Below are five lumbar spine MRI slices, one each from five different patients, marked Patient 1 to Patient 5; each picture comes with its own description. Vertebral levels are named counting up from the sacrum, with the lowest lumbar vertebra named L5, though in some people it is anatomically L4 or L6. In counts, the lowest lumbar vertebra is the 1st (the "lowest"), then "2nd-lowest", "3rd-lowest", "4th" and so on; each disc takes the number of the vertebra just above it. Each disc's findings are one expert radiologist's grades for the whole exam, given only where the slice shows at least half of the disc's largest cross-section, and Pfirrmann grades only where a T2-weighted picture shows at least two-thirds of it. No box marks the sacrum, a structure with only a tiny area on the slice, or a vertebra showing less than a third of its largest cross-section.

Patient 1 of 5:
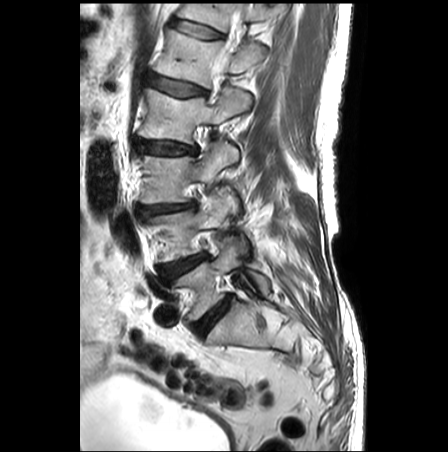 Lumbar spine MR, T2-weighted, sagittal
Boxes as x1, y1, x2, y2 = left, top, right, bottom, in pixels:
IVD T12/L1 at 169, 18, 221, 38; L2 vertebra at 139, 89, 251, 143; IVD L5/S1 at 197, 296, 230, 334; L5 vertebra at 176, 239, 269, 319; L3 vertebra at 139, 142, 238, 203; T12 vertebra at 178, 4, 276, 32; L2/L3 at 134, 141, 197, 155; L4 vertebra at 149, 197, 247, 261; L4/L5 at 160, 255, 205, 282; L1 vertebra at 156, 30, 264, 88; L3/L4 at 139, 203, 193, 217; IVD L1/L2 at 145, 73, 206, 96; spinal canal at 218, 19, 238, 65.

Expert MSK radiologist gradings (per disc):
- L3/L4: disc narrowing, disc bulging
- L1/L2: Pfirrmann grade 2, lower-endplate change, disc bulging, upper-endplate change, Modic type II
- T12/L1: Pfirrmann grade 1
- L2/L3: Pfirrmann grade 3, disc bulging
- L4/L5: disc bulging

Patient 2 of 5:
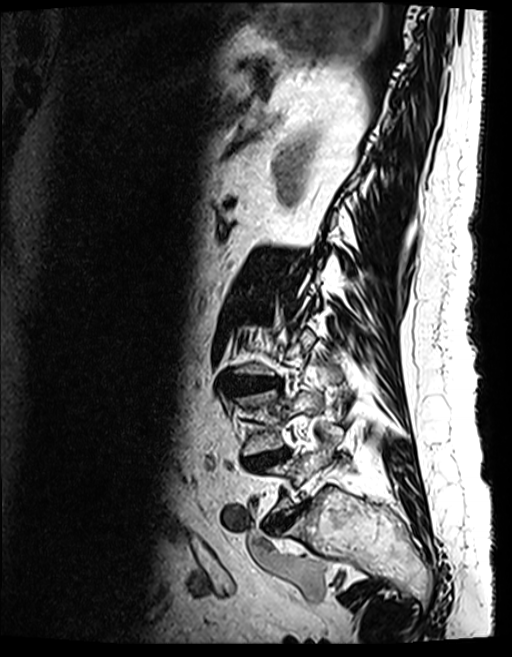
Patient sex: F; Image 512x657; Lumbar spine MR, T2 SPACE (3D), sagittal
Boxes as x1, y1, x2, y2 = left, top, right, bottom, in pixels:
Annotations:
- L5 vertebra at 265, 422, 342, 514
- intervertebral disc L3/L4 at 238, 380, 272, 388
- L5/S1 at 266, 507, 302, 534
- L4 vertebra at 233, 366, 339, 455
- intervertebral disc L4/L5 at 242, 448, 289, 469

Per-level radiological findings:
• L4/L5: Pfirrmann grade 5, Modic type II, lower-endplate change, upper-endplate change, disc narrowing, disc bulging

Patient 3 of 5:
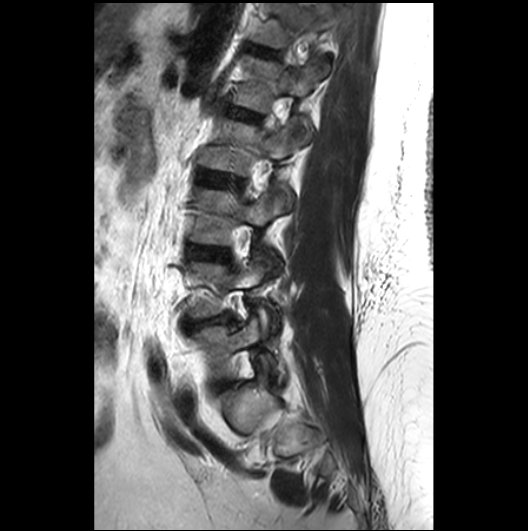
Lumbar spine MR, T2-weighted, sagittal.
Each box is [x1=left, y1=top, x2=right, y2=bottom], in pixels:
Structures:
- L5 at [x1=191, y1=316, x2=279, y2=381]
- intervertebral disc T12/L1 at [x1=245, y1=44, x2=277, y2=56]
- intervertebral disc L4/L5 at [x1=181, y1=313, x2=233, y2=329]
- L4 vertebra at [x1=184, y1=256, x2=279, y2=333]
- T12 vertebra at [x1=250, y1=1, x2=333, y2=48]
- L1 vertebra at [x1=228, y1=55, x2=328, y2=140]
- L3/L4 at [x1=187, y1=245, x2=227, y2=257]
- L5/S1 at [x1=212, y1=380, x2=230, y2=391]
- L3 vertebra at [x1=190, y1=189, x2=286, y2=275]
- intervertebral disc L2/L3 at [x1=197, y1=171, x2=232, y2=184]
- L1/L2 at [x1=220, y1=104, x2=259, y2=120]
- L2 at [x1=198, y1=117, x2=295, y2=211]

Per-level radiological findings:
• L1/L2: no herniation, bulging, narrowing, spondylolisthesis, endplate or Modic change recorded

Patient 4 of 5:
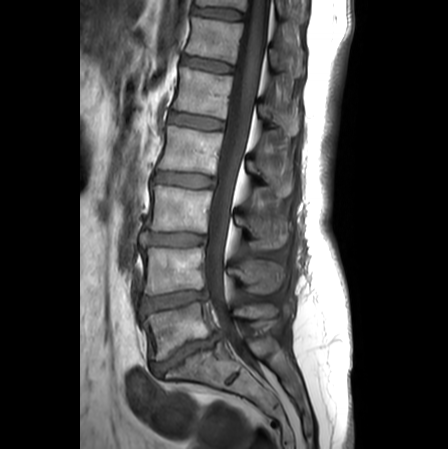 448x449 px, Lumbar spine MR, T1-weighted, sagittal

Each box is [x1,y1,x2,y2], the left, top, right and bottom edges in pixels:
{"5th vertebra": "[173,68,300,135]", "lowest vertebra": "[145,302,278,360]", "7th disc": "[193,7,242,19]", "7th vertebra": "[196,0,305,22]", "6th vertebra": "[186,17,304,76]", "2nd-lowest disc": "[144,291,206,314]", "4th disc": "[154,172,214,186]", "5th disc": "[170,113,223,129]", "2nd-lowest vertebra": "[143,247,284,294]", "3rd-lowest disc": "[143,233,205,246]", "spinal canal": "[206,0,269,355]", "4th vertebra": "[159,126,292,196]", "lowest disc": "[151,331,222,376]", "6th disc": "[182,55,232,72]", "3rd-lowest vertebra": "[146,184,287,248]"}

Radiological gradings:
• 3rd-lowest disc: disc bulging
• 4th disc: disc bulging
• lowest disc: disc herniation, upper-endplate change, disc narrowing, Modic type II, lower-endplate change
• 2nd-lowest disc: disc bulging, disc narrowing
• 6th disc, 5th disc, 7th disc: no herniation, bulging, narrowing, spondylolisthesis, endplate or Modic change recorded

Patient 5 of 5:
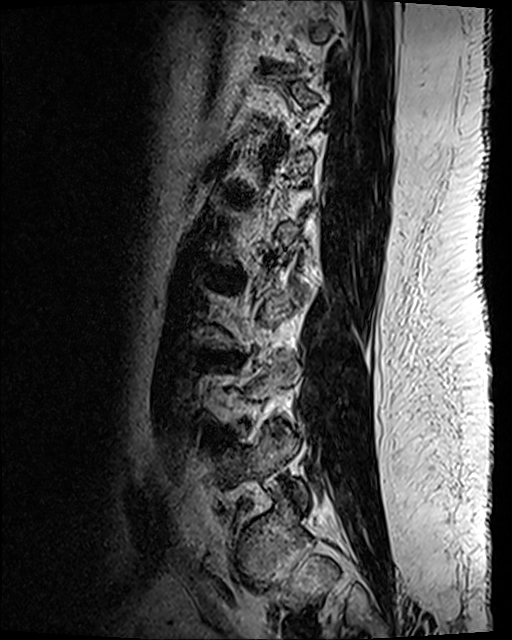
Sagittal T2 SPACE (3D) lumbar spine MRI. Image 512x640.

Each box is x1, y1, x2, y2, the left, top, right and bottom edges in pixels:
intervertebral disc L4/L5 (2nd-lowest disc): 213, 436, 225, 442
L3/L4 (3rd-lowest disc): 211, 354, 235, 362